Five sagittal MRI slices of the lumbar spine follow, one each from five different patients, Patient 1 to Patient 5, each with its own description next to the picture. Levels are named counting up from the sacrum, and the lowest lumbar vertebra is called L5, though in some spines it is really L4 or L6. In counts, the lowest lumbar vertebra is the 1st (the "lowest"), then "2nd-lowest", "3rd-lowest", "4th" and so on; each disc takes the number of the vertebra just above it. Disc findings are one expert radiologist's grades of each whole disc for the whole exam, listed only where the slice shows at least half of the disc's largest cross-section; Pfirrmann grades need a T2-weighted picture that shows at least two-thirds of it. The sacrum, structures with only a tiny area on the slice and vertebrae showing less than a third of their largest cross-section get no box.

Patient 1 of 5:
MRI lumbar spine (T1-weighted), sagittal plane, Slice 19 of 24, Image 461x462, Sex F, Philips Healthcare Ingenia (3T) 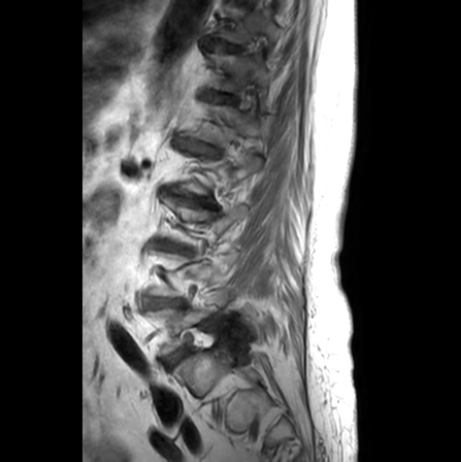

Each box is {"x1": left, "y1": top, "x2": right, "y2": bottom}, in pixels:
Annotations:
* L1/L2: {"x1": 200, "y1": 145, "x2": 217, "y2": 152}
* T11 vertebra: {"x1": 216, "y1": 5, "x2": 280, "y2": 49}
* L3/L4: {"x1": 163, "y1": 243, "x2": 189, "y2": 251}
* IVD L4/L5: {"x1": 148, "y1": 297, "x2": 183, "y2": 307}
* T11/T12: {"x1": 207, "y1": 41, "x2": 243, "y2": 52}
* L5: {"x1": 146, "y1": 290, "x2": 242, "y2": 355}
* T12 vertebra: {"x1": 205, "y1": 50, "x2": 270, "y2": 112}
* L5/S1: {"x1": 164, "y1": 349, "x2": 187, "y2": 367}
* L1 vertebra: {"x1": 192, "y1": 103, "x2": 265, "y2": 144}
* IVD T12/L1: {"x1": 211, "y1": 93, "x2": 237, "y2": 102}

Radiological gradings:
• T11/T12: no spondylolisthesis, narrowing, bulging, herniation, Modic or endplate change recorded

Patient 2 of 5:
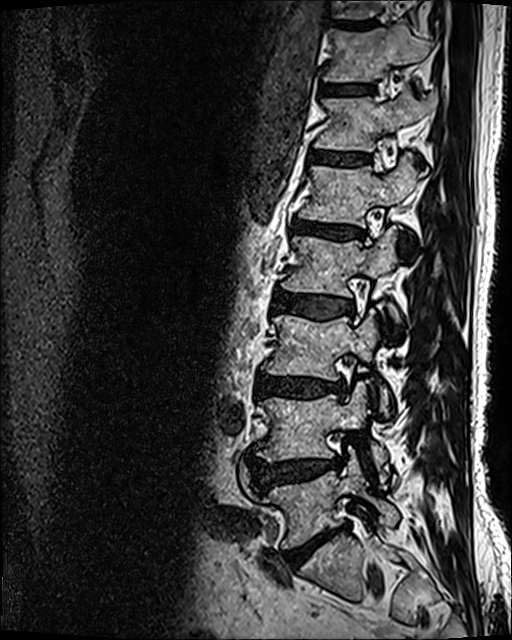 Field of view 240x300 mm, slice spacing 0.9 mm, Sagittal T2 SPACE (3D) lumbar spine MRI

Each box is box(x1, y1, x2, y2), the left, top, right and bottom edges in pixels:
L1: box(299, 154, 424, 227)
T12: box(315, 88, 436, 152)
intervertebral disc L1/L2: box(293, 220, 363, 238)
intervertebral disc L5/S1: box(285, 526, 347, 565)
T11/T12: box(322, 84, 371, 94)
T10/T11: box(336, 20, 377, 28)
L2/L3: box(273, 291, 353, 317)
L3: box(262, 309, 389, 414)
T11: box(323, 24, 432, 82)
intervertebral disc L3/L4: box(257, 375, 345, 398)
L5 vertebra: box(260, 447, 398, 547)
T12/L1: box(310, 151, 368, 165)
L4/L5: box(251, 457, 340, 488)
L4 vertebra: box(258, 380, 388, 482)
L2 vertebra: box(282, 228, 398, 322)

Radiological gradings:
- L2/L3: Pfirrmann grade 3, disc bulging
- L1/L2: Pfirrmann grade 4, upper-endplate change, disc bulging, lower-endplate change, disc narrowing, Modic type II
- L3/L4: Pfirrmann grade 4, disc narrowing, disc bulging, Modic type II, lower-endplate change
- L4/L5: Pfirrmann grade 4, disc bulging, disc herniation
- T11/T12, T12/L1: no spondylolisthesis, narrowing, bulging, herniation, Modic or endplate change recorded

Patient 3 of 5:
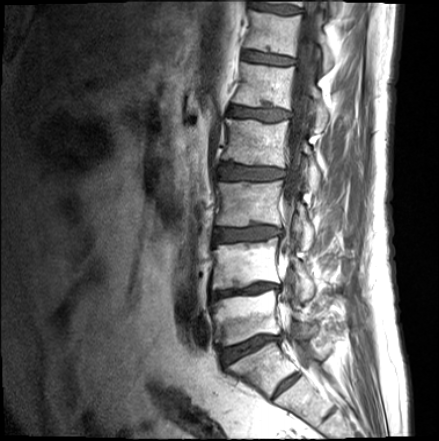 Lumbar spine MR, T1-weighted, sagittal, 439x441 px

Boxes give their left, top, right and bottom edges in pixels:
Thecal sac / spinal canal = left=282, top=0, right=320, bottom=367.
L4 vertebra = left=212, top=238, right=314, bottom=300.
L2 = left=224, top=119, right=320, bottom=192.
L5 = left=211, top=290, right=318, bottom=345.
T12/L1 = left=243, top=51, right=293, bottom=64.
IVD L1/L2 = left=229, top=105, right=289, bottom=121.
L3 = left=217, top=181, right=313, bottom=249.
IVD L5/S1 = left=221, top=335, right=282, bottom=364.
IVD L3/L4 = left=214, top=226, right=281, bottom=242.
L2/L3 = left=219, top=164, right=284, bottom=179.
T12 vertebra = left=244, top=11, right=333, bottom=72.
T11 = left=265, top=0, right=336, bottom=14.
L4/L5 = left=210, top=283, right=278, bottom=301.
L1 = left=234, top=63, right=328, bottom=128.
T11/T12 = left=251, top=2, right=300, bottom=13.

Degenerative findings by level:
  L4/L5: Modic type II, disc bulging, lower-endplate change, disc narrowing, upper-endplate change
  L1/L2: lower-endplate change, upper-endplate change
  L2/L3: lower-endplate change, upper-endplate change
  T12/L1: upper-endplate change, lower-endplate change
  L5/S1: lower-endplate change, disc narrowing, disc bulging, Modic type II, upper-endplate change
  L3/L4: disc bulging, lower-endplate change, upper-endplate change
  T11/T12: no spondylolisthesis, narrowing, bulging, herniation, Modic or endplate change recorded

Patient 4 of 5:
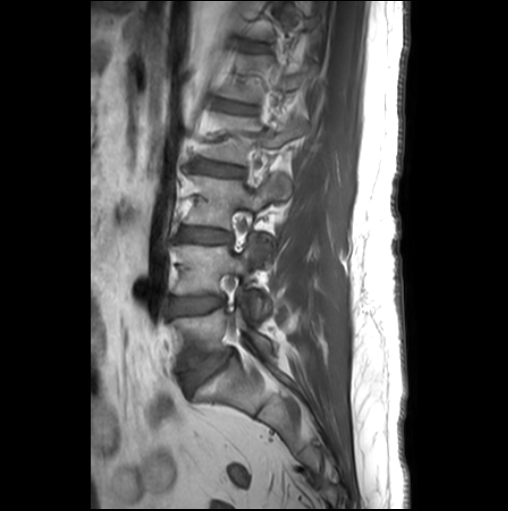

Lumbar spine MR, T1-weighted, sagittal
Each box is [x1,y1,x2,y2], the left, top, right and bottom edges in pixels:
Segmented structures:
* IVD T12/L1 at [244,42,266,50]
* L5 vertebra at [172,307,272,370]
* L3 vertebra at [185,174,292,228]
* IVD L4/L5 at [170,296,224,314]
* L4 vertebra at [175,239,269,314]
* L3/L4 at [178,227,230,242]
* IVD L2/L3 at [195,160,243,176]
* L5/S1 at [182,350,234,393]
* L2 vertebra at [204,113,309,164]
* IVD L1/L2 at [219,101,255,112]

Expert MSK radiologist gradings (per disc):
- L4/L5: Modic type II
- L5/S1: disc bulging, Modic type II
- L3/L4, L2/L3: no spondylolisthesis, narrowing, bulging, herniation, Modic or endplate change recorded

Patient 5 of 5:
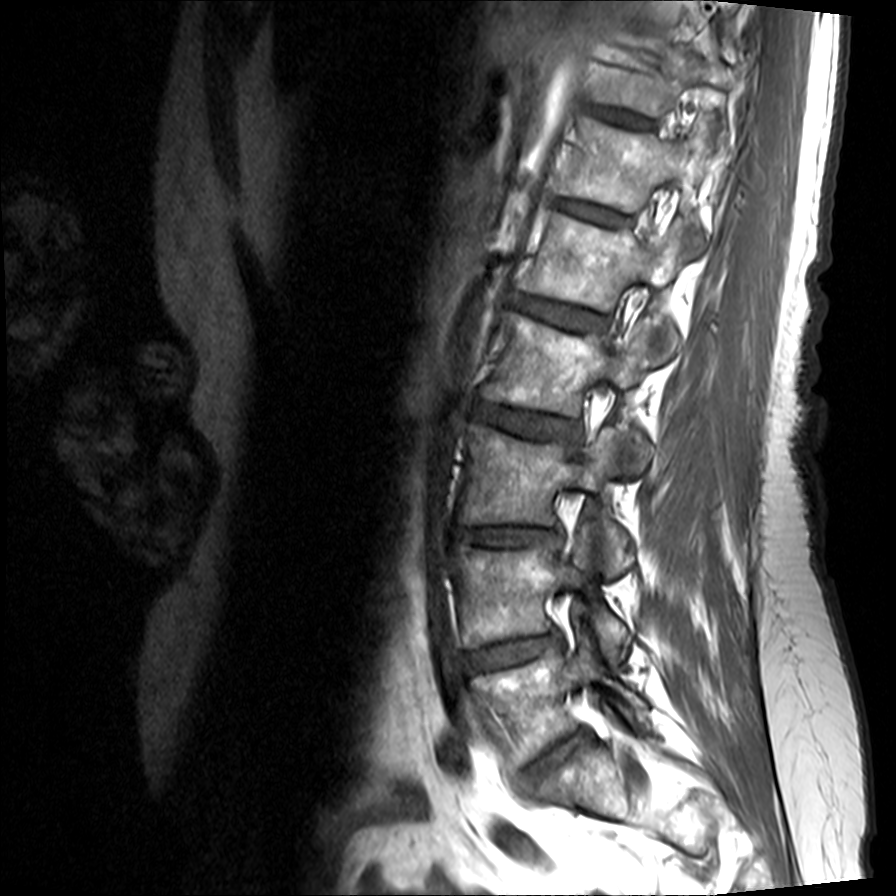
Sagittal T1-weighted lumbar spine MRI.

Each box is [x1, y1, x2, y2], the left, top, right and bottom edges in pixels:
Annotations:
• IVD L4/L5: [461, 633, 562, 673]
• T12/L1: [555, 198, 631, 227]
• T11: [598, 47, 737, 115]
• IVD T11/T12: [598, 106, 652, 126]
• T12: [557, 116, 716, 211]
• L2 vertebra: [484, 312, 670, 472]
• L3 vertebra: [463, 425, 633, 578]
• L4 vertebra: [459, 523, 627, 658]
• L5/S1: [523, 731, 589, 788]
• L1: [520, 212, 702, 351]
• IVD L2/L3: [476, 402, 581, 438]
• L3/L4: [457, 525, 558, 546]
• IVD L1/L2: [513, 293, 606, 328]
• L5: [474, 633, 650, 765]

Per-level radiological findings:
- L4/L5: disc narrowing, disc herniation, disc bulging, Modic type II
- L3/L4: disc bulging, upper-endplate change, disc narrowing, lower-endplate change
- L2/L3: disc bulging
- T11/T12, L1/L2, T12/L1: no spondylolisthesis, narrowing, bulging, herniation, Modic or endplate change recorded